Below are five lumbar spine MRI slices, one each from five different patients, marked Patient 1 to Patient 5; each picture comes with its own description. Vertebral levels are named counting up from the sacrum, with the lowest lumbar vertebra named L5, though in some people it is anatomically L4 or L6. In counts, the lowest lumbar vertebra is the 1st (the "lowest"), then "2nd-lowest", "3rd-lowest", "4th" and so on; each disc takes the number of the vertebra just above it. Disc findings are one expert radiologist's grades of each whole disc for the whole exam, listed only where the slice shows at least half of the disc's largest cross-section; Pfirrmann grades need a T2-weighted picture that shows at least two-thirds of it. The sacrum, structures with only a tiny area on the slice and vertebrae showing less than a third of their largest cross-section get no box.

Patient 1 of 5:
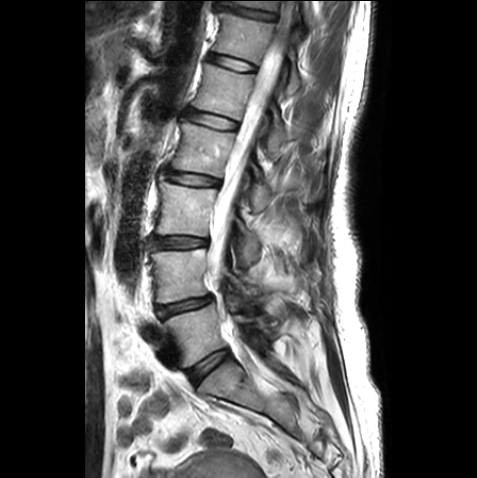

MRI lumbar spine (T2-weighted), sagittal plane. Slice 16 of 25. 477x478 px.

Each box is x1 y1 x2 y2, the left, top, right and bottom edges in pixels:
5th disc at 187 109 237 129, lowest vertebra at 165 300 270 366, thecal sac / spinal canal at 208 4 290 281, 7th vertebra at 226 0 315 24, 2nd-lowest disc at 156 295 212 317, 6th disc at 208 53 256 71, 6th vertebra at 213 11 303 96, lowest disc at 187 349 228 385, 3rd-lowest vertebra at 156 175 259 265, 4th vertebra at 171 121 317 211, 5th vertebra at 193 63 293 156, 3rd-lowest disc at 153 236 207 248, 2nd-lowest vertebra at 151 249 261 303, 4th disc at 165 170 219 186, 7th disc at 216 3 276 20.

Per-level radiological findings:
  5th disc: Pfirrmann grade 1, lower-endplate change, upper-endplate change
  7th disc: Pfirrmann grade 1, lower-endplate change, upper-endplate change, disc narrowing
  6th disc: Pfirrmann grade 1, upper-endplate change, lower-endplate change
  3rd-lowest disc: Pfirrmann grade 2, disc narrowing, disc bulging
  2nd-lowest disc: Pfirrmann grade 3, lower-endplate change, disc bulging, upper-endplate change, disc narrowing
  lowest disc: Pfirrmann grade 1
  4th disc: Pfirrmann grade 2, lower-endplate change, disc bulging, upper-endplate change

Patient 2 of 5:
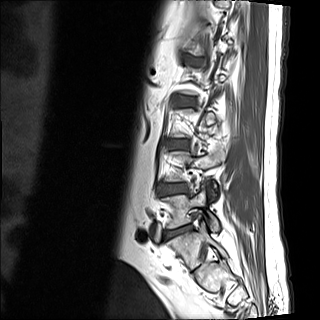 Slice 13/15. Sagittal T1-weighted lumbar spine MRI. Image 320x320.
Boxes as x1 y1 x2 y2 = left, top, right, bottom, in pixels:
L4/L5 — 161 184 187 194 | L4 — 164 147 225 188 | intervertebral disc L3/L4 — 174 141 185 148 | intervertebral disc L5/S1 — 166 225 192 237 | L5 — 162 184 219 232

Per-level radiological findings:
• L4/L5: lower-endplate change, disc bulging, upper-endplate change

Patient 3 of 5:
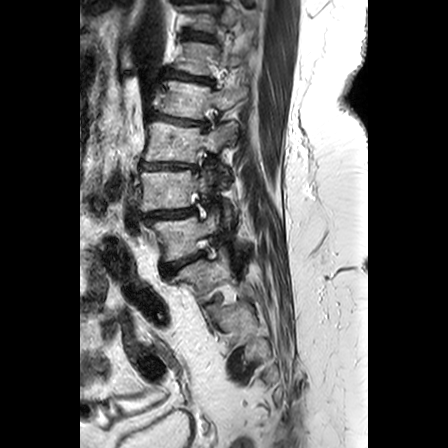
Lumbar spine MR, T2-weighted, sagittal; Patient sex: F

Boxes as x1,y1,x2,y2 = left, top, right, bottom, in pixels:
Annotations:
* intervertebral disc L2/L3 (4th disc) — 149,112,207,128
* L1 (5th vertebra) — 175,43,254,75
* L2 (4th vertebra) — 158,81,247,119
* L1/L2 (5th disc) — 165,69,213,85
* T12/L1 (6th disc) — 185,32,214,42
* intervertebral disc L3/L4 (3rd-lowest disc) — 141,164,195,171
* L4 (2nd-lowest vertebra) — 140,171,213,211
* intervertebral disc L5/S1 (lowest disc) — 162,251,204,275
* L4/L5 (2nd-lowest disc) — 145,210,195,222
* L5 (lowest vertebra) — 151,210,218,260
* L3 (3rd-lowest vertebra) — 144,122,233,186

Expert MSK radiologist gradings (per disc):
• L4/L5 (2nd-lowest disc): Pfirrmann grade 4, disc narrowing, spondylolisthesis, disc bulging
• L2/L3 (4th disc): Pfirrmann grade 3, lower-endplate change, disc narrowing, disc bulging, upper-endplate change, Modic type II
• L3/L4 (3rd-lowest disc): Pfirrmann grade 3, Modic type II, disc narrowing, disc bulging, lower-endplate change, upper-endplate change
• T12/L1 (6th disc): lower-endplate change, Modic type II, upper-endplate change
• L1/L2 (5th disc): Pfirrmann grade 3, lower-endplate change, disc bulging, Modic type II, disc narrowing, upper-endplate change
• L5/S1 (lowest disc): disc bulging

Patient 4 of 5:
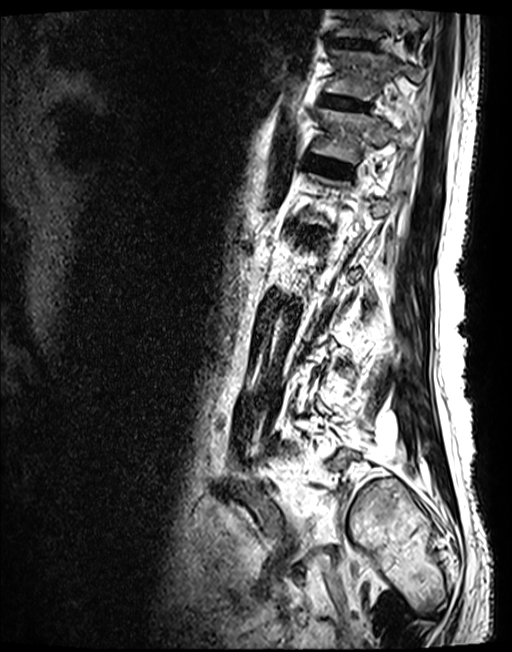
T2 SPACE (3D) sagittal MRI of the lumbar spine | Image 512x652 | Slice 41 of 143 | Sex M

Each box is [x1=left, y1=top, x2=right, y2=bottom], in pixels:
{"T12 (6th vertebra)": "[x1=312, y1=109, x2=420, y2=162]", "T10/T11 (8th disc)": "[x1=327, y1=38, x2=376, y2=48]", "T11/T12 (7th disc)": "[x1=321, y1=95, x2=369, y2=109]", "T10 (8th vertebra)": "[x1=334, y1=9, x2=430, y2=38]", "T11 (7th vertebra)": "[x1=325, y1=49, x2=425, y2=100]", "disc T12/L1 (6th disc)": "[x1=305, y1=155, x2=352, y2=175]", "L1/L2 (5th disc)": "[x1=297, y1=226, x2=320, y2=236]"}

Radiological gradings:
• T11/T12 (7th disc), T10/T11 (8th disc), T12/L1 (6th disc): no Modic or endplate change, herniation, narrowing, bulging or spondylolisthesis recorded

Patient 5 of 5:
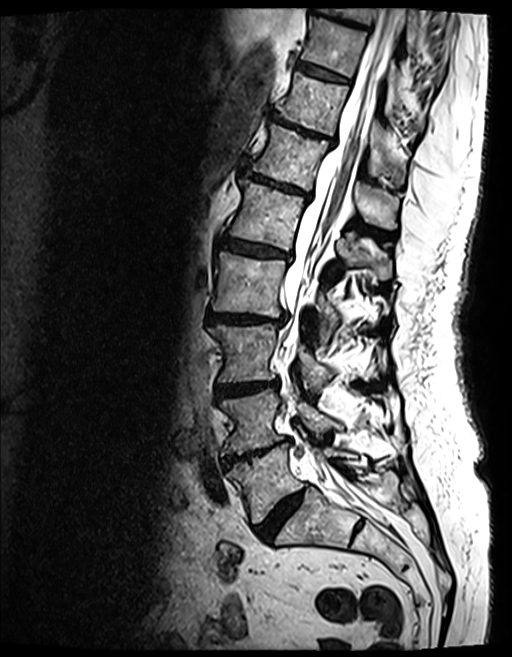
Slice 69 of 154. Sex F. Sagittal T2 SPACE (3D) lumbar spine MRI.

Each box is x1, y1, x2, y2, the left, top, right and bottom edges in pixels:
Lowest vertebra — 227, 444, 352, 523.
6th disc — 241, 168, 310, 200.
2nd-lowest disc — 223, 439, 289, 466.
3rd-lowest disc — 216, 382, 275, 395.
4th disc — 209, 314, 282, 323.
7th disc — 270, 112, 334, 142.
9th vertebra — 332, 8, 418, 53.
9th disc — 312, 5, 367, 28.
Thecal sac / spinal canal — 282, 8, 404, 509.
8th vertebra — 301, 16, 420, 127.
5th vertebra — 229, 180, 389, 279.
8th disc — 297, 61, 348, 82.
6th vertebra — 250, 125, 398, 229.
7th vertebra — 277, 72, 407, 184.
Lowest disc — 256, 485, 308, 540.
2nd-lowest vertebra — 220, 389, 342, 455.
3rd-lowest vertebra — 209, 324, 332, 388.
5th disc — 223, 239, 288, 259.
4th vertebra — 213, 252, 338, 336.

Expert MSK radiologist gradings (per disc):
  7th disc: Pfirrmann grade 5, Modic type II, upper-endplate change, lower-endplate change, disc bulging, disc narrowing
  9th disc: Pfirrmann grade 4, disc bulging, upper-endplate change, Modic type II, lower-endplate change
  lowest disc: Pfirrmann grade 4, disc narrowing, disc bulging
  4th disc: Pfirrmann grade 4, lower-endplate change, disc bulging, disc narrowing, upper-endplate change, Modic type II
  6th disc: Pfirrmann grade 4, upper-endplate change, Modic type II, disc narrowing, lower-endplate change, disc bulging
  5th disc: Pfirrmann grade 4, disc bulging, Modic type II, disc narrowing, lower-endplate change, upper-endplate change
  3rd-lowest disc: disc narrowing, upper-endplate change, lower-endplate change, disc bulging, Modic type II
  2nd-lowest disc: lower-endplate change, Modic type II, disc narrowing, upper-endplate change, disc bulging
  8th disc: Pfirrmann grade 4, Modic type II, lower-endplate change, upper-endplate change